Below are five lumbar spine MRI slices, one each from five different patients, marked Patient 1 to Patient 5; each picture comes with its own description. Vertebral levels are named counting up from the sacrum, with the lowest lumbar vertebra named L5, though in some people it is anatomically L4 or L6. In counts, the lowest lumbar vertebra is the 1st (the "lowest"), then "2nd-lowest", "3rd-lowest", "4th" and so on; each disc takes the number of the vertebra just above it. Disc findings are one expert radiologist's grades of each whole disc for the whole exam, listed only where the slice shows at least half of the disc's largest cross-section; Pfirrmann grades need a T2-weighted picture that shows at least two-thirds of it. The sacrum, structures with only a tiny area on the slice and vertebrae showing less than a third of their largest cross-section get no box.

Patient 1 of 5:
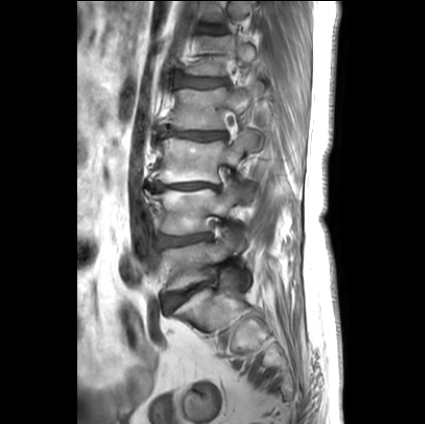 425x424 px, Slice 8 of 27, MRI lumbar spine (T1-weighted), sagittal plane
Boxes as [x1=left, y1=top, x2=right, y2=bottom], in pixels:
Annotations:
* 3rd-lowest disc = [x1=148, y1=183, x2=218, y2=191]
* 2nd-lowest vertebra = [x1=147, y1=184, x2=254, y2=251]
* lowest disc = [x1=164, y1=281, x2=209, y2=311]
* 4th disc = [x1=157, y1=127, x2=225, y2=140]
* lowest vertebra = [x1=164, y1=233, x2=249, y2=291]
* 4th vertebra = [x1=162, y1=83, x2=263, y2=147]
* 2nd-lowest disc = [x1=160, y1=234, x2=210, y2=246]
* 5th disc = [x1=174, y1=72, x2=226, y2=87]
* 3rd-lowest vertebra = [x1=149, y1=131, x2=257, y2=183]

Per-level radiological findings:
- lowest disc: disc bulging
- 3rd-lowest disc: lower-endplate change, disc narrowing, Modic type II, upper-endplate change, disc bulging
- 5th disc: upper-endplate change, disc bulging, lower-endplate change
- 4th disc: upper-endplate change, disc narrowing, disc bulging, lower-endplate change
- 2nd-lowest disc: disc bulging

Patient 2 of 5:
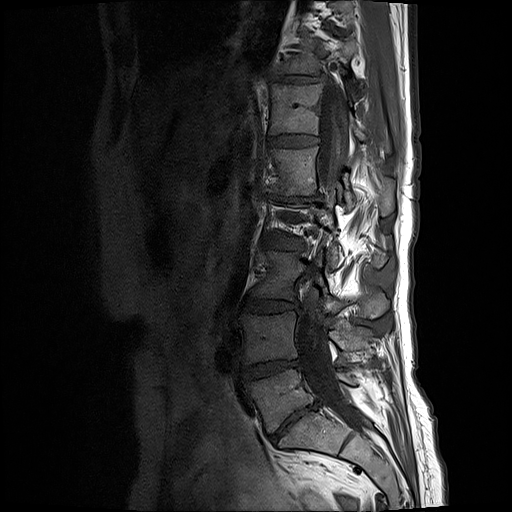 Sex F, Sagittal T1-weighted lumbar spine MRI, 512x512 px
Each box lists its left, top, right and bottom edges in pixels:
L1 vertebra at left=263, top=147, right=393, bottom=215.
T12/L1 at left=267, top=134, right=317, bottom=149.
T11/T12 at left=267, top=72, right=327, bottom=86.
L4 vertebra at left=239, top=310, right=372, bottom=364.
T12 vertebra at left=268, top=85, right=391, bottom=154.
IVD L5/S1 at left=270, top=403, right=314, bottom=440.
L3/L4 at left=241, top=297, right=297, bottom=311.
L3 at left=250, top=251, right=388, bottom=318.
Thecal sac / spinal canal at left=296, top=84, right=365, bottom=430.
T11 at left=277, top=35, right=356, bottom=81.
L5 at left=245, top=368, right=354, bottom=431.
IVD L1/L2 at left=265, top=194, right=320, bottom=203.
L2/L3 at left=262, top=235, right=300, bottom=249.
L4/L5 at left=240, top=360, right=299, bottom=379.

Radiological gradings:
• L1/L2: lower-endplate change, disc bulging, upper-endplate change, disc narrowing, Modic type II
• T11/T12: disc narrowing, disc bulging
• L5/S1: Modic type II, upper-endplate change, disc bulging, disc narrowing, lower-endplate change
• L3/L4: disc bulging
• L4/L5: Modic type II, disc bulging, disc narrowing
• T12/L1: no Modic or endplate change, herniation, narrowing, bulging or spondylolisthesis recorded

Patient 3 of 5:
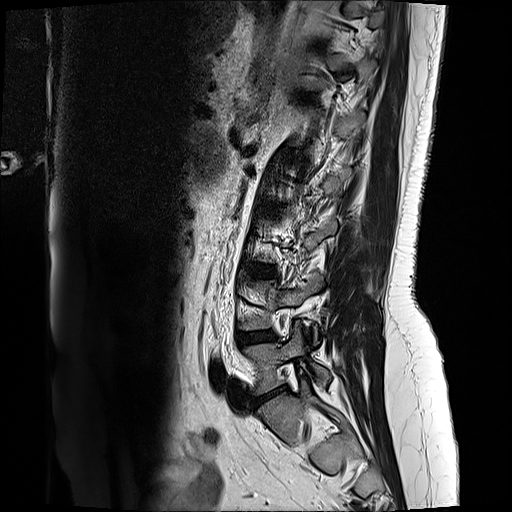
Sex F | Slice 3/17 | Sagittal T2-weighted lumbar spine MRI

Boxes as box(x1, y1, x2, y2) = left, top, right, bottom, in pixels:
{"L4 vertebra": "box(241, 274, 321, 343)", "L2/L3": "box(265, 205, 284, 215)", "L5": "box(245, 321, 329, 394)", "IVD L3/L4": "box(248, 264, 277, 278)", "L4/L5": "box(235, 331, 277, 345)", "IVD L5/S1": "box(254, 389, 284, 404)"}

Patient 4 of 5:
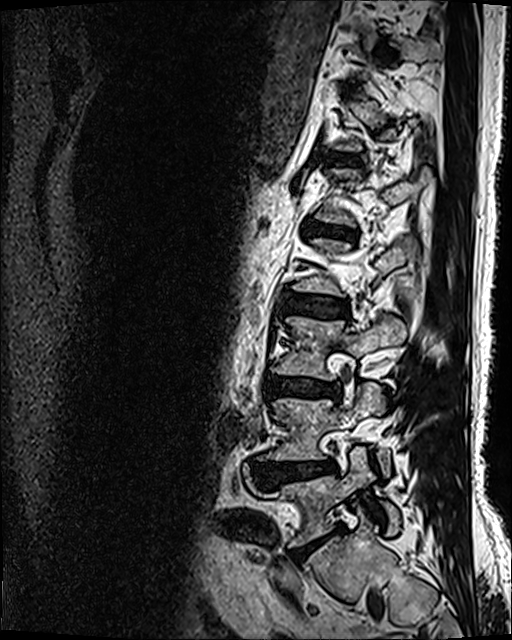 Lumbar spine MR, T2 SPACE (3D), sagittal | 512x640 px

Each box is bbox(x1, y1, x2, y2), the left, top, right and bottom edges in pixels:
Lowest vertebra at bbox(259, 447, 399, 546); 2nd-lowest vertebra at bbox(267, 381, 390, 476); 6th disc at bbox(333, 155, 354, 163); 3rd-lowest vertebra at bbox(271, 315, 407, 379); 3rd-lowest disc at bbox(266, 376, 341, 398); 5th disc at bbox(306, 222, 353, 238); 2nd-lowest disc at bbox(255, 461, 336, 486); 4th disc at bbox(282, 292, 347, 316); lowest disc at bbox(292, 529, 340, 561).

Per-level radiological findings:
- 4th disc: Pfirrmann grade 3, disc bulging
- 3rd-lowest disc: Pfirrmann grade 4, disc narrowing, lower-endplate change, disc bulging, Modic type II
- 2nd-lowest disc: disc herniation, disc bulging

Patient 5 of 5:
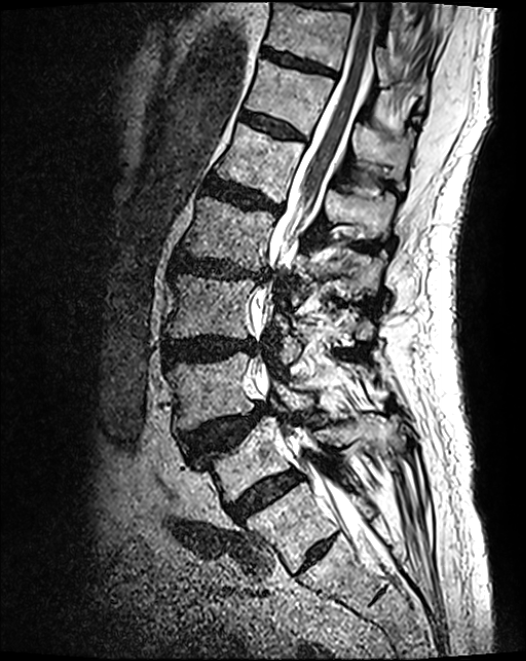 Lumbar spine MR, T2 SPACE (3D), sagittal | Field of view 240x302 mm, slice spacing 0.9 mm

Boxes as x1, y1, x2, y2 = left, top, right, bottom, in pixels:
• IVD T12/L1 — 241, 113, 304, 141
• L2 — 181, 197, 385, 305
• spinal canal — 252, 0, 380, 534
• L1/L2 — 206, 179, 281, 213
• L3 vertebra — 166, 275, 374, 365
• L5/S1 — 227, 472, 299, 521
• L1 — 216, 124, 396, 241
• T11 — 266, 3, 425, 104
• L4 — 166, 354, 312, 431
• L4/L5 — 181, 404, 271, 460
• IVD L2/L3 — 171, 253, 268, 283
• L5 — 201, 418, 366, 501
• IVD T11/T12 — 262, 49, 334, 75
• T12 — 246, 61, 410, 188
• IVD L3/L4 — 163, 338, 255, 365

Degenerative findings by level:
  T12/L1: Pfirrmann grade 3
  L3/L4: Pfirrmann grade 4, disc bulging
  L5/S1: Pfirrmann grade 4
  T11/T12: Pfirrmann grade 3, lower-endplate change
  L4/L5: Pfirrmann grade 4, upper-endplate change, spondylolisthesis, disc herniation
  L2/L3: Pfirrmann grade 4, disc bulging, lower-endplate change, disc narrowing, upper-endplate change
  L1/L2: Pfirrmann grade 4, disc bulging, upper-endplate change, lower-endplate change